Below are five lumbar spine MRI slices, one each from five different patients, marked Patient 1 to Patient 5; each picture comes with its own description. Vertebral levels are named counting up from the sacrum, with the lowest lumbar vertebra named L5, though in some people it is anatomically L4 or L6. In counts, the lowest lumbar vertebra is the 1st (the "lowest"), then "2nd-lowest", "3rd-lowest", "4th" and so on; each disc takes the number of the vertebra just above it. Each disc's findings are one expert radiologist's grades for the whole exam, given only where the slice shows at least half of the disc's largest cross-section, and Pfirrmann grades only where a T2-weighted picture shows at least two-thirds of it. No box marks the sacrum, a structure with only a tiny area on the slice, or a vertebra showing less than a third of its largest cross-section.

Patient 1 of 5:
617x611 px; T2-weighted sagittal MRI of the lumbar spine; Scanner: Philips Medical Systems Ingenia (1.5T)

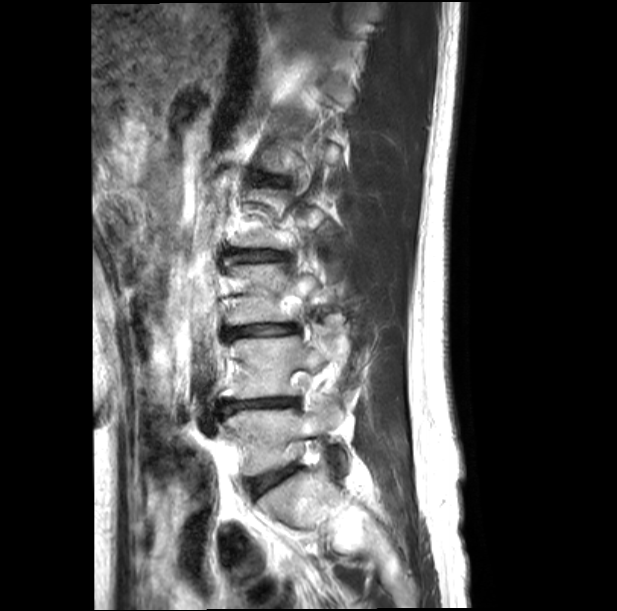

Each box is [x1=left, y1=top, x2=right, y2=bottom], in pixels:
disc L3/L4: [x1=227, y1=324, x2=295, y2=338]
L5 vertebra: [x1=227, y1=409, x2=332, y2=475]
disc L2/L3: [x1=234, y1=251, x2=283, y2=261]
L5/S1: [x1=249, y1=467, x2=292, y2=495]
L4/L5: [x1=225, y1=398, x2=294, y2=412]
L4: [x1=220, y1=336, x2=326, y2=399]
L3 vertebra: [x1=227, y1=263, x2=318, y2=324]

Expert MSK radiologist gradings (per disc):
  L4/L5: Pfirrmann grade 5, disc narrowing, lower-endplate change, upper-endplate change, disc bulging
  L3/L4: lower-endplate change, disc narrowing, upper-endplate change, disc bulging

Patient 2 of 5:
Field of view 280x280 mm, slice spacing 4.8 mm, Sagittal T1-weighted lumbar spine MRI, Sex M 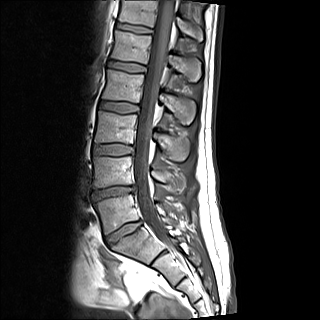 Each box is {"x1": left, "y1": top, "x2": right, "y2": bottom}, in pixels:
Segmented structures:
- intervertebral disc L3/L4 — {"x1": 92, "y1": 144, "x2": 131, "y2": 155}
- L5/S1 — {"x1": 105, "y1": 221, "x2": 141, "y2": 246}
- intervertebral disc T12/L1 — {"x1": 116, "y1": 22, "x2": 151, "y2": 33}
- intervertebral disc L4/L5 — {"x1": 92, "y1": 186, "x2": 135, "y2": 201}
- L4 vertebra — {"x1": 93, "y1": 156, "x2": 185, "y2": 193}
- T12 — {"x1": 119, "y1": 0, "x2": 202, "y2": 41}
- L3 vertebra — {"x1": 94, "y1": 111, "x2": 189, "y2": 160}
- thecal sac / spinal canal — {"x1": 134, "y1": 0, "x2": 174, "y2": 242}
- L1 vertebra — {"x1": 111, "y1": 30, "x2": 200, "y2": 81}
- L2 — {"x1": 102, "y1": 70, "x2": 194, "y2": 124}
- L2/L3 — {"x1": 99, "y1": 100, "x2": 137, "y2": 113}
- L5 — {"x1": 95, "y1": 194, "x2": 166, "y2": 234}
- L1/L2 — {"x1": 108, "y1": 60, "x2": 145, "y2": 72}

Per-level radiological findings:
- L4/L5: disc herniation, disc narrowing
- L5/S1: disc bulging
- T12/L1, L1/L2, L2/L3, L3/L4: no spondylolisthesis, narrowing, bulging, herniation, Modic or endplate change recorded

Patient 3 of 5:
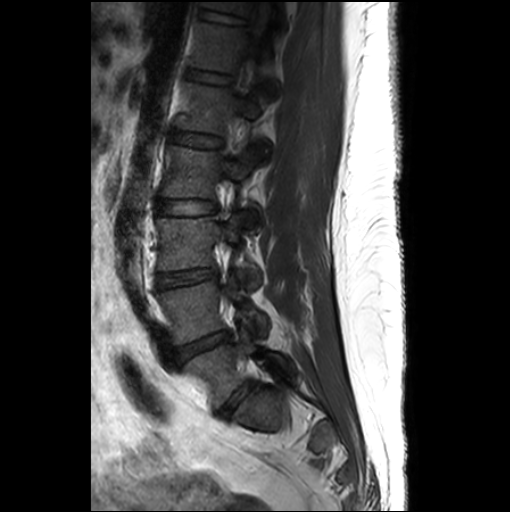

MRI lumbar spine (T2-weighted), sagittal plane. Field of view 280x281 mm. Sagittal slice index 17.

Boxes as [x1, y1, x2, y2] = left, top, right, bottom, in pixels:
{"L1 (5th vertebra)": "[175, 82, 269, 159]", "L2 (4th vertebra)": "[161, 146, 259, 229]", "intervertebral disc L4/L5 (2nd-lowest disc)": "[172, 330, 230, 364]", "intervertebral disc T11/T12 (7th disc)": "[198, 6, 249, 24]", "T11 (7th vertebra)": "[202, 2, 284, 23]", "intervertebral disc L5/S1 (lowest disc)": "[218, 382, 250, 417]", "T12/L1 (6th disc)": "[185, 68, 233, 83]", "thecal sac / spinal canal": "[243, 2, 269, 71]", "L2/L3 (4th disc)": "[157, 199, 215, 215]", "L5 (lowest vertebra)": "[184, 330, 292, 408]", "intervertebral disc L3/L4 (3rd-lowest disc)": "[156, 267, 217, 288]", "T12 (6th vertebra)": "[190, 21, 277, 96]", "L3 (3rd-lowest vertebra)": "[157, 215, 259, 286]", "L4 (2nd-lowest vertebra)": "[157, 277, 267, 344]", "L1/L2 (5th disc)": "[169, 130, 222, 146]"}

Per-level radiological findings:
  L1/L2 (5th disc): Pfirrmann grade 1
  L3/L4 (3rd-lowest disc): Pfirrmann grade 3, disc narrowing, disc bulging
  L4/L5 (2nd-lowest disc): Pfirrmann grade 3, disc bulging, disc narrowing
  T12/L1 (6th disc): Pfirrmann grade 1
  L2/L3 (4th disc): Pfirrmann grade 1
  T11/T12 (7th disc): Pfirrmann grade 1

Patient 4 of 5:
Sagittal T2-weighted lumbar spine MRI. SIEMENS Avanto_fit (1.5T). 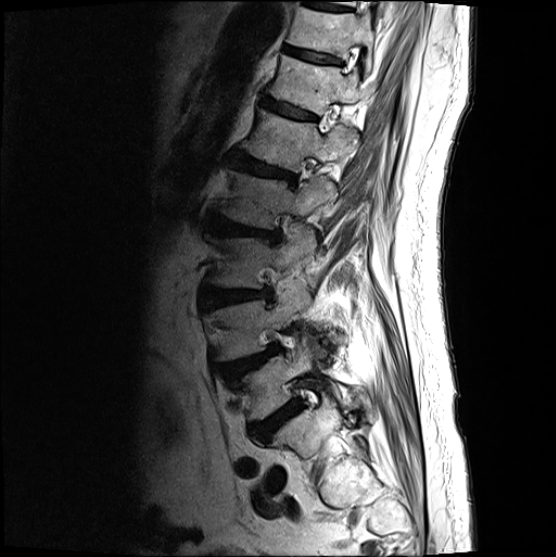 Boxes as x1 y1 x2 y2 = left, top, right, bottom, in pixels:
T11 (7th vertebra) — 287 2 375 71.
IVD L3/L4 (3rd-lowest disc) — 202 287 273 306.
T12 (6th vertebra) — 269 54 362 114.
L3 (3rd-lowest vertebra) — 208 226 316 288.
L1 (5th vertebra) — 242 108 355 171.
IVD L1/L2 (5th disc) — 230 151 296 184.
L5 (lowest vertebra) — 233 337 355 420.
L4 (2nd-lowest vertebra) — 211 281 326 361.
IVD L2/L3 (4th disc) — 207 212 281 241.
IVD L4/L5 (2nd-lowest disc) — 223 345 281 380.
L2 (4th vertebra) — 216 169 337 229.
T11/T12 (7th disc) — 283 45 342 65.
T12/L1 (6th disc) — 262 98 317 120.
IVD L5/S1 (lowest disc) — 251 400 303 442.

Degenerative findings by level:
  T11/T12 (7th disc): Pfirrmann grade 3, lower-endplate change
  L5/S1 (lowest disc): Pfirrmann grade 4
  T12/L1 (6th disc): Pfirrmann grade 3
  L4/L5 (2nd-lowest disc): upper-endplate change, spondylolisthesis, disc herniation
  L1/L2 (5th disc): Pfirrmann grade 4, upper-endplate change, lower-endplate change, disc bulging
  L2/L3 (4th disc): Pfirrmann grade 4, lower-endplate change, disc narrowing, disc bulging, upper-endplate change
  L3/L4 (3rd-lowest disc): Pfirrmann grade 4, disc bulging

Patient 5 of 5:
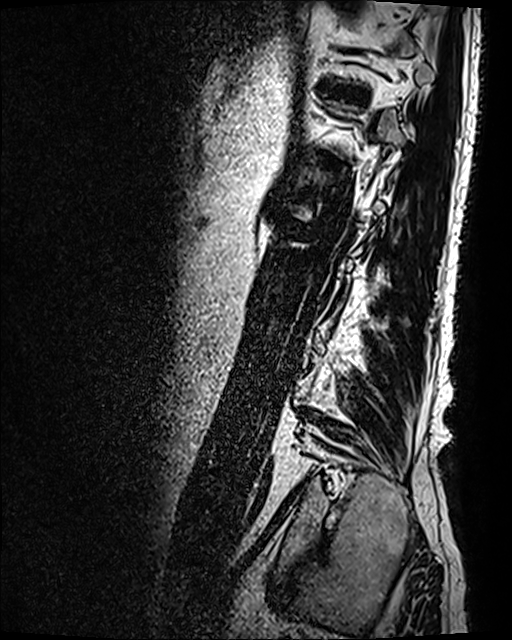
Sagittal T2 SPACE (3D) lumbar spine MRI, Image 512x640, Field of view 240x300 mm, slice spacing 0.9 mm

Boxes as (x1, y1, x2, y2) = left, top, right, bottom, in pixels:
Segmented structures:
• intervertebral disc L1/L2: (286, 218, 299, 226)
• intervertebral disc T11/T12: (320, 83, 361, 100)